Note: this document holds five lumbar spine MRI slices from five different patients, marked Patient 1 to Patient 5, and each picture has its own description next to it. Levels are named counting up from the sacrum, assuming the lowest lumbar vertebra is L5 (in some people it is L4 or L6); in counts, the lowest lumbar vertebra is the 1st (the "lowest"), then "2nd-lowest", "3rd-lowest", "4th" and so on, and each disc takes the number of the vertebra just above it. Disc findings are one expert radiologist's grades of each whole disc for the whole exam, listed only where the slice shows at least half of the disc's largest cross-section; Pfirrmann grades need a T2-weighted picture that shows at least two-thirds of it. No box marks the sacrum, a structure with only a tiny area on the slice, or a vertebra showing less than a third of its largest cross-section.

Patient 1 of 5:
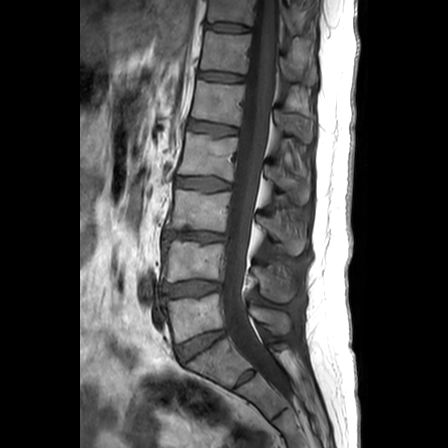
Slice 13 of 24, Lumbar spine MR, T1-weighted, sagittal
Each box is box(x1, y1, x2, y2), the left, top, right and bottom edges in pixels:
L3/L4: box(166, 231, 227, 241) | intervertebral disc L5/S1: box(178, 330, 225, 360) | intervertebral disc L1/L2: box(190, 120, 238, 134) | L2: box(179, 132, 312, 202) | thecal sac / spinal canal: box(223, 0, 282, 385) | T12: box(201, 31, 318, 84) | L3 vertebra: box(168, 189, 308, 254) | L1 vertebra: box(193, 80, 315, 141) | intervertebral disc T12/L1: box(198, 71, 242, 81) | L4 vertebra: box(165, 240, 296, 301) | L5 vertebra: box(165, 293, 292, 342) | L4/L5: box(165, 280, 222, 296) | intervertebral disc T11/T12: box(206, 22, 248, 31) | T11 vertebra: box(208, 0, 297, 34) | intervertebral disc L2/L3: box(177, 176, 231, 190)

Degenerative findings by level:
  L3/L4: lower-endplate change, disc narrowing, disc herniation, Modic type II, upper-endplate change
  L4/L5: disc bulging
  T12/L1, L1/L2, L5/S1, L2/L3, T11/T12: no herniation, bulging, narrowing, spondylolisthesis, endplate or Modic change recorded

Patient 2 of 5:
1089x1120 px. Lumbar spine MR, T1-weighted, sagittal. Sex F.

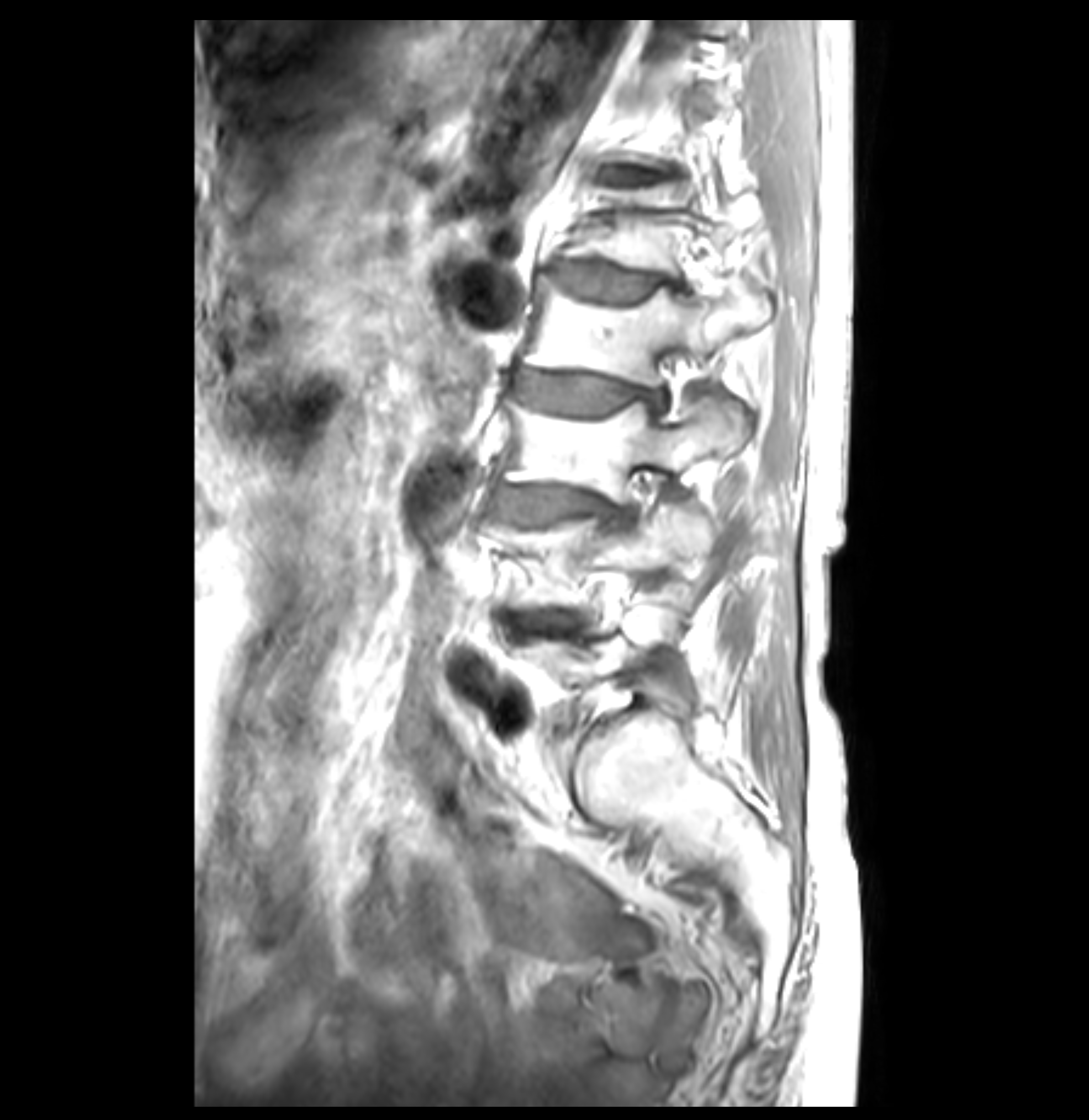

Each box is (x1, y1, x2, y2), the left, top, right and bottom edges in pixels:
2nd-lowest disc: (510, 613, 561, 628) | 4th vertebra: (523, 275, 770, 386) | 6th disc: (603, 169, 653, 183) | 4th disc: (513, 370, 666, 412) | 3rd-lowest vertebra: (503, 396, 746, 499) | 3rd-lowest disc: (496, 487, 629, 522) | 2nd-lowest vertebra: (501, 503, 710, 608) | 5th vertebra: (564, 185, 763, 275) | 5th disc: (552, 262, 688, 302)

Expert MSK radiologist gradings (per disc):
• 4th disc: disc narrowing, Modic type II, lower-endplate change, disc bulging, upper-endplate change
• 5th disc: Modic type II, upper-endplate change, disc bulging, lower-endplate change
• 3rd-lowest disc: Modic type II, upper-endplate change, lower-endplate change, disc bulging, disc narrowing

Patient 3 of 5:
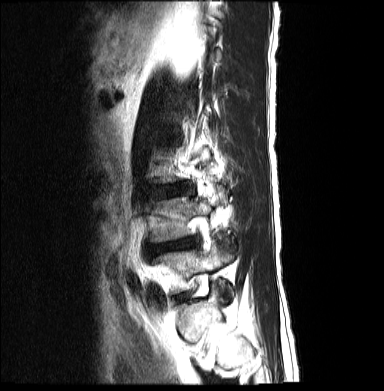 MRI lumbar spine (T2-weighted), sagittal plane; Patient sex: M
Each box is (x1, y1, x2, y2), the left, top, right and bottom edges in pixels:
L4 (2nd-lowest vertebra): (150, 198, 210, 243)
L5 (lowest vertebra): (153, 245, 232, 298)
L3/L4 (3rd-lowest disc): (160, 191, 180, 196)
intervertebral disc L4/L5 (2nd-lowest disc): (148, 238, 196, 255)

Per-level radiological findings:
• L4/L5 (2nd-lowest disc): Pfirrmann grade 5, lower-endplate change, disc narrowing, disc bulging, upper-endplate change, disc herniation, Modic type II

Patient 4 of 5:
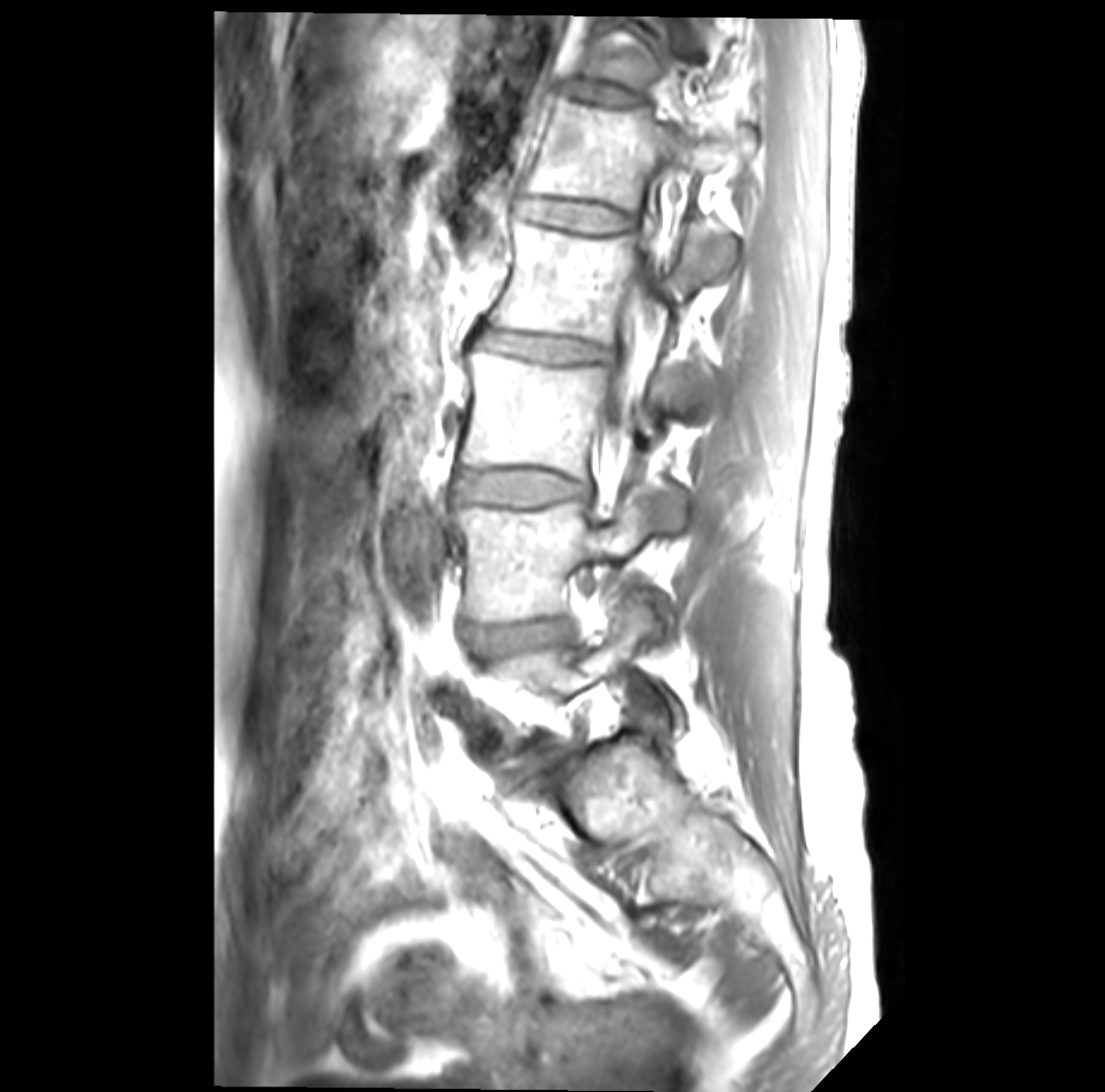

Slice 26 of 41, Field of view 290x286 mm, slice spacing 3.4 mm, T1-weighted sagittal MRI of the lumbar spine
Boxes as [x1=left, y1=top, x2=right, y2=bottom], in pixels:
IVD T12/L1 at [x1=561, y1=81, x2=636, y2=104], spinal canal at [x1=603, y1=175, x2=675, y2=454], IVD L2/L3 at [x1=476, y1=329, x2=611, y2=363], L3 vertebra at [x1=463, y1=348, x2=684, y2=526], L1 vertebra at [x1=524, y1=98, x2=728, y2=246], IVD L4/L5 at [x1=474, y1=623, x2=565, y2=649], L2 vertebra at [x1=487, y1=222, x2=732, y2=383], L1/L2 at [x1=519, y1=198, x2=631, y2=232], IVD L3/L4 at [x1=460, y1=469, x2=586, y2=504], L5 at [x1=487, y1=602, x2=652, y2=764], L4 at [x1=456, y1=494, x2=681, y2=623], T12 at [x1=580, y1=15, x2=697, y2=88].

Per-level radiological findings:
- L3/L4: disc bulging, Modic type II
- L2/L3: disc narrowing, Modic type II, disc bulging
- T12/L1, L1/L2: no spondylolisthesis, narrowing, bulging, herniation, Modic or endplate change recorded

Patient 5 of 5:
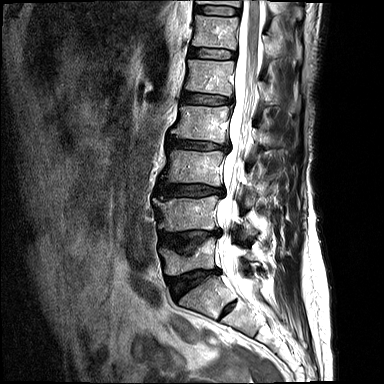 MRI lumbar spine (T2-weighted), sagittal plane | 384x384 px

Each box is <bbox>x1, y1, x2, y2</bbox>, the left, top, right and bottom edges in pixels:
L4 (2nd-lowest vertebra) at <bbox>153, 196, 255, 236</bbox>.
Disc T12/L1 (6th disc) at <bbox>188, 47, 236, 59</bbox>.
Disc L2/L3 (4th disc) at <bbox>167, 138, 228, 150</bbox>.
L5/S1 (lowest disc) at <bbox>167, 268, 219, 298</bbox>.
L4/L5 (2nd-lowest disc) at <bbox>160, 230, 220, 254</bbox>.
Spinal canal at <bbox>216, 0, 262, 301</bbox>.
T11 (7th vertebra) at <bbox>196, 0, 299, 15</bbox>.
Disc T11/T12 (7th disc) at <bbox>195, 6, 239, 15</bbox>.
L3 (3rd-lowest vertebra) at <bbox>161, 150, 257, 205</bbox>.
T12 (6th vertebra) at <bbox>192, 15, 277, 58</bbox>.
L5 (lowest vertebra) at <bbox>159, 237, 253, 275</bbox>.
L1 (5th vertebra) at <bbox>185, 59, 272, 105</bbox>.
L3/L4 (3rd-lowest disc) at <bbox>155, 184, 224, 197</bbox>.
L2 (4th vertebra) at <bbox>172, 106, 273, 146</bbox>.
Disc L1/L2 (5th disc) at <bbox>181, 91, 232, 104</bbox>.

Radiological gradings:
• L4/L5 (2nd-lowest disc): Pfirrmann grade 4, lower-endplate change, disc bulging, upper-endplate change
• T11/T12 (7th disc): Pfirrmann grade 2
• L3/L4 (3rd-lowest disc): Pfirrmann grade 3, upper-endplate change, lower-endplate change, disc bulging
• T12/L1 (6th disc): Pfirrmann grade 2, upper-endplate change, lower-endplate change
• L1/L2 (5th disc): Pfirrmann grade 3, disc bulging, upper-endplate change, lower-endplate change
• L2/L3 (4th disc): Pfirrmann grade 3, upper-endplate change, disc narrowing, lower-endplate change, disc bulging
• L5/S1 (lowest disc): Pfirrmann grade 4, lower-endplate change, upper-endplate change, disc bulging, disc narrowing